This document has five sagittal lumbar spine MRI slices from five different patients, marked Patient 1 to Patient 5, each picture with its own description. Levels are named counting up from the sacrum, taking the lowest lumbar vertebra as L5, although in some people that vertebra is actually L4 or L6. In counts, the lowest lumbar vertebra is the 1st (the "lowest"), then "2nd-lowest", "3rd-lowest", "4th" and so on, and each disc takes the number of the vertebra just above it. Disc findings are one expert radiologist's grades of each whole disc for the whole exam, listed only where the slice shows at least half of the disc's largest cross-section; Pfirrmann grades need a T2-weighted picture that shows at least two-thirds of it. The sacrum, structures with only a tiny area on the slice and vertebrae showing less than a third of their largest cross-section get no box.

Patient 1 of 5:
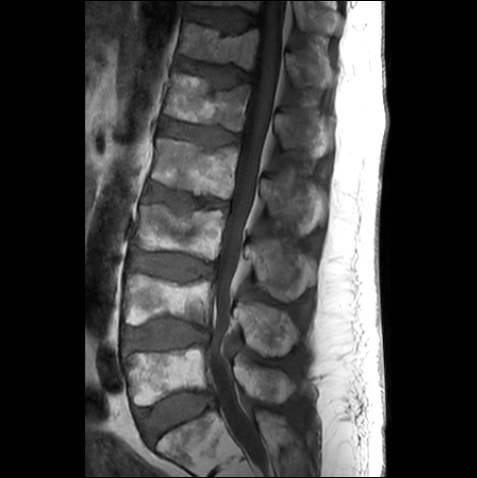
477x478 px. T1-weighted sagittal MRI of the lumbar spine. Sagittal slice index 12.
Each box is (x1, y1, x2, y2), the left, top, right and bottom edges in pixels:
T12 (6th vertebra) — (179, 22, 334, 87).
L4 (2nd-lowest vertebra) — (123, 270, 299, 356).
T11 (7th vertebra) — (191, 0, 340, 33).
L5 (lowest vertebra) — (123, 345, 294, 405).
Thecal sac / spinal canal — (209, 0, 284, 458).
T12/L1 (6th disc) — (178, 59, 250, 86).
L4/L5 (2nd-lowest disc) — (123, 318, 208, 350).
IVD L2/L3 (4th disc) — (145, 184, 228, 210).
L1 (5th vertebra) — (164, 72, 313, 148).
L3/L4 (3rd-lowest disc) — (132, 253, 214, 280).
L1/L2 (5th disc) — (162, 119, 239, 145).
L5/S1 (lowest disc) — (135, 391, 213, 441).
L2 (4th vertebra) — (151, 137, 290, 217).
T11/T12 (7th disc) — (188, 7, 258, 30).
L3 (3rd-lowest vertebra) — (132, 204, 315, 301).

Per-level radiological findings:
- L2/L3 (4th disc): upper-endplate change
- L4/L5 (2nd-lowest disc): lower-endplate change
- T12/L1 (6th disc): upper-endplate change
- L1/L2 (5th disc), L5/S1 (lowest disc), T11/T12 (7th disc), L3/L4 (3rd-lowest disc): no Modic or endplate change, herniation, narrowing, bulging or spondylolisthesis recorded

Patient 2 of 5:
T1-weighted sagittal MRI of the lumbar spine; Image 448x452; Slice 16 of 27; Sex M; Scanner: Philips Healthcare Ingenia (3T) 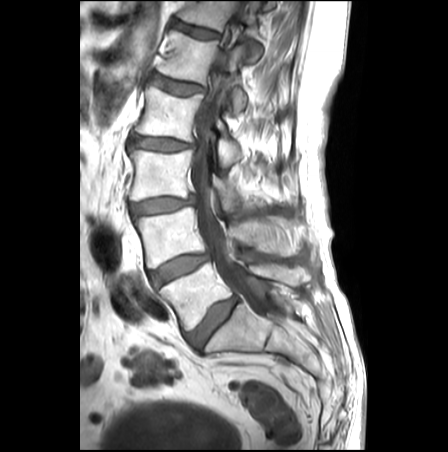
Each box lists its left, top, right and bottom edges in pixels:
Annotations:
* lowest vertebra at left=160, top=262, right=309, bottom=330
* 5th vertebra at left=158, top=30, right=247, bottom=111
* 2nd-lowest disc at left=150, top=253, right=208, bottom=286
* 2nd-lowest vertebra at left=134, top=207, right=304, bottom=267
* lowest disc at left=187, top=296, right=237, bottom=349
* 4th disc at left=127, top=133, right=192, bottom=151
* 5th disc at left=151, top=74, right=203, bottom=95
* 6th vertebra at left=178, top=1, right=262, bottom=62
* 3rd-lowest disc at left=130, top=197, right=192, bottom=214
* 3rd-lowest vertebra at left=128, top=150, right=242, bottom=200
* 4th vertebra at left=134, top=86, right=241, bottom=166
* 6th disc at left=173, top=20, right=219, bottom=38
* thecal sac / spinal canal at left=191, top=47, right=269, bottom=315

Degenerative findings by level:
  3rd-lowest disc: disc bulging, disc narrowing
  lowest disc: disc bulging
  4th disc: disc bulging
  5th disc: lower-endplate change, disc bulging, Modic type II, upper-endplate change
  2nd-lowest disc: disc bulging
  6th disc: no herniation, bulging, narrowing, spondylolisthesis, endplate or Modic change recorded

Patient 3 of 5:
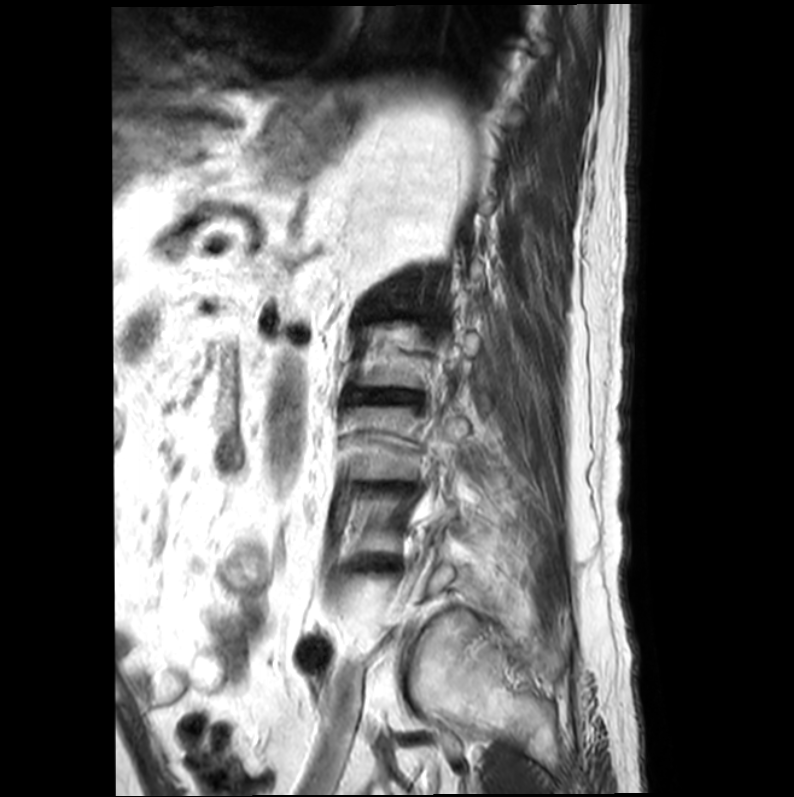 Sagittal T2-weighted lumbar spine MRI
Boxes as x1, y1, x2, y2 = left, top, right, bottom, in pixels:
L3 vertebra at 351, 398, 485, 479; intervertebral disc L2/L3 at 348, 390, 419, 403; L3/L4 at 383, 484, 413, 491.

Per-level radiological findings:
• L2/L3: Pfirrmann grade 5, Modic type II, lower-endplate change, disc narrowing, upper-endplate change, disc bulging

Patient 4 of 5:
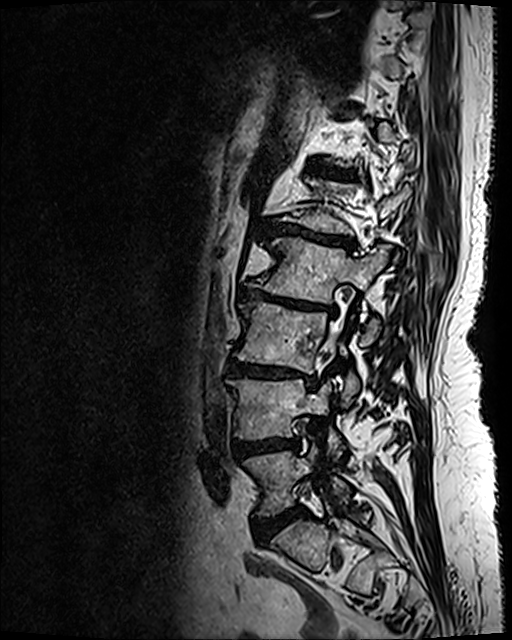
T2 SPACE (3D) sagittal MRI of the lumbar spine | Sex F | Slice 78 of 120

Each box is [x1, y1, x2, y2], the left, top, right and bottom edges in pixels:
disc L4/L5 (2nd-lowest disc): [233, 436, 299, 456] | L4 (2nd-lowest vertebra): [228, 379, 343, 451] | L1 (5th vertebra): [288, 178, 410, 234] | spinal canal: [330, 333, 337, 347] | disc L2/L3 (4th disc): [240, 287, 335, 314] | L5 (lowest vertebra): [245, 445, 349, 515] | disc T12/L1 (6th disc): [307, 165, 356, 178] | disc L1/L2 (5th disc): [266, 224, 354, 247] | disc L5/S1 (lowest disc): [254, 506, 304, 543] | L3/L4 (3rd-lowest disc): [226, 359, 316, 385] | L3 (3rd-lowest vertebra): [234, 302, 359, 403] | L2 (4th vertebra): [247, 238, 389, 343]

Radiological gradings:
- L5/S1 (lowest disc): disc bulging
- L4/L5 (2nd-lowest disc): lower-endplate change, disc bulging, upper-endplate change
- L2/L3 (4th disc): Modic type II, upper-endplate change, disc bulging, disc narrowing, lower-endplate change
- L1/L2 (5th disc): Pfirrmann grade 5, Modic type II, disc bulging, upper-endplate change, disc narrowing, lower-endplate change
- T12/L1 (6th disc): lower-endplate change, upper-endplate change, Modic type II
- L3/L4 (3rd-lowest disc): Pfirrmann grade 5, Modic type II, disc narrowing, lower-endplate change, upper-endplate change, disc bulging

Patient 5 of 5:
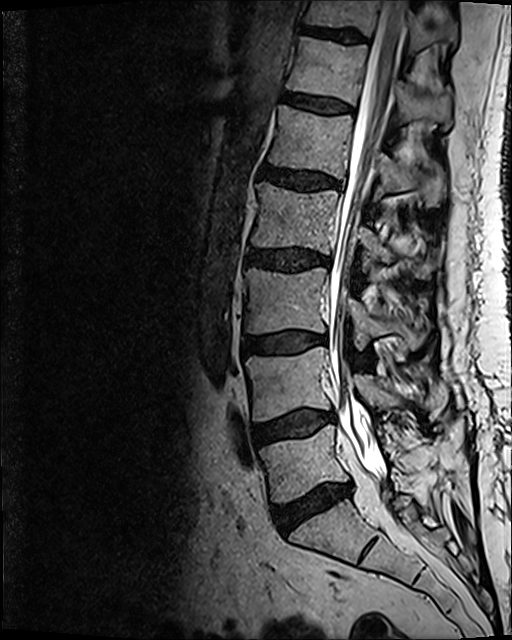
Slice 57/120 | MRI lumbar spine (T2 SPACE (3D)), sagittal plane | Slice spacing 0.9 mm
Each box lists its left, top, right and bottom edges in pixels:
Annotations:
- 3rd-lowest vertebra: left=245, top=267, right=429, bottom=349
- 5th vertebra: left=268, top=105, right=445, bottom=209
- 6th disc: left=284, top=93, right=353, bottom=113
- lowest disc: left=273, top=484, right=350, bottom=531
- lowest vertebra: left=259, top=424, right=434, bottom=502
- 6th vertebra: left=286, top=37, right=452, bottom=130
- 2nd-lowest vertebra: left=245, top=347, right=404, bottom=421
- 7th disc: left=301, top=24, right=365, bottom=43
- spinal canal: left=320, top=0, right=405, bottom=494
- 3rd-lowest disc: left=244, top=331, right=322, bottom=354
- 2nd-lowest disc: left=254, top=410, right=333, bottom=444
- 4th disc: left=247, top=247, right=329, bottom=271
- 7th vertebra: left=302, top=0, right=457, bottom=54
- 4th vertebra: left=252, top=182, right=440, bottom=279
- 5th disc: left=256, top=163, right=339, bottom=190

Degenerative findings by level:
• 6th disc: Pfirrmann grade 2
• 3rd-lowest disc: Pfirrmann grade 2, Modic type II, disc bulging
• 7th disc: Pfirrmann grade 3
• 4th disc: Pfirrmann grade 3, disc bulging
• lowest disc: Pfirrmann grade 3, disc bulging, Modic type II, disc narrowing
• 5th disc: Pfirrmann grade 3, disc bulging
• 2nd-lowest disc: Pfirrmann grade 2, disc bulging, Modic type II